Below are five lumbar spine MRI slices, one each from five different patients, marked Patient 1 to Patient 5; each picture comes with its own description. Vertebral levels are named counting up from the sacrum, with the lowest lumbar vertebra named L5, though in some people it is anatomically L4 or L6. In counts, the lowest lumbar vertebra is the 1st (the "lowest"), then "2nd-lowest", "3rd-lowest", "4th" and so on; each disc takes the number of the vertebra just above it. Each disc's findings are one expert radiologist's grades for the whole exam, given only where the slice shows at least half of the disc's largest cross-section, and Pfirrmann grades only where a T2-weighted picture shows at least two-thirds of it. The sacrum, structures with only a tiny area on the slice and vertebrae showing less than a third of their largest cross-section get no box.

Patient 1 of 5:
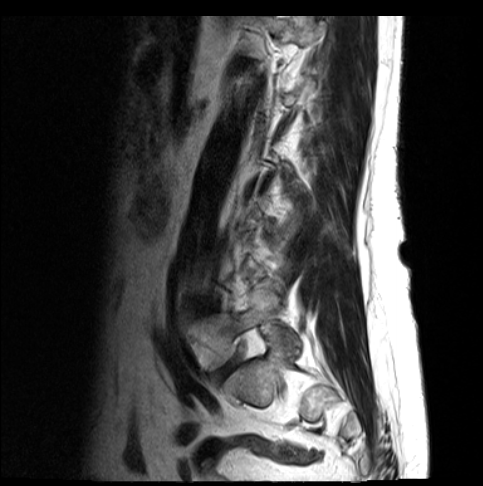

Sagittal slice index 1 | Sagittal T2-weighted lumbar spine MRI

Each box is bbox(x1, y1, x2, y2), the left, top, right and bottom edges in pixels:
Structures:
- L5 (lowest vertebra) — bbox(187, 293, 277, 370)
- disc L5/S1 (lowest disc) — bbox(220, 360, 235, 376)

Patient 2 of 5:
Slice 77/120 | Lumbar spine MR, T2 SPACE (3D), sagittal | Sex M | Image 512x640
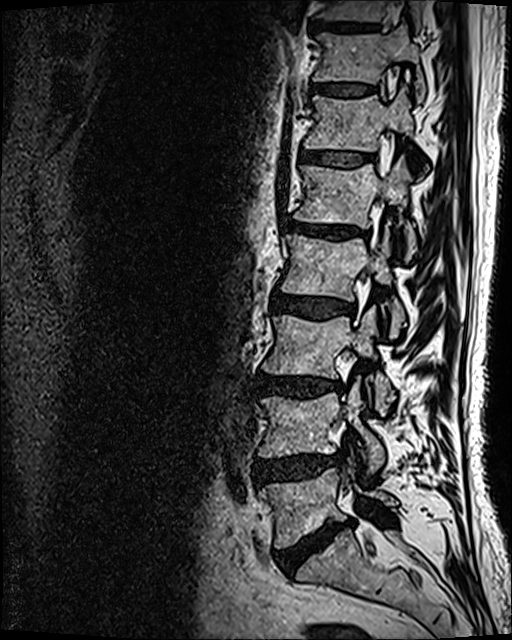

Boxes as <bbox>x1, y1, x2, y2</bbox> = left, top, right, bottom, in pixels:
Structures:
* L5/S1 — <bbox>275, 521, 351, 575</bbox>
* T11 — <bbox>313, 24, 425, 103</bbox>
* L5 — <bbox>259, 469, 396, 547</bbox>
* T12/L1 — <bbox>301, 151, 372, 166</bbox>
* L4/L5 — <bbox>255, 455, 337, 485</bbox>
* disc L3/L4 — <bbox>255, 374, 339, 398</bbox>
* T12 — <bbox>304, 88, 413, 152</bbox>
* L1/L2 — <bbox>287, 220, 358, 238</bbox>
* L2/L3 — <bbox>271, 292, 350, 319</bbox>
* thecal sac / spinal canal — <bbox>344, 420, 374, 534</bbox>
* disc T10/T11 — <bbox>310, 20, 378, 30</bbox>
* T11/T12 — <bbox>312, 84, 373, 95</bbox>
* L3 — <bbox>261, 306, 394, 414</bbox>
* L4 vertebra — <bbox>258, 383, 384, 471</bbox>
* T10 — <bbox>321, 0, 420, 30</bbox>
* L1 vertebra — <bbox>293, 157, 415, 260</bbox>
* L2 — <bbox>281, 229, 404, 337</bbox>

Radiological gradings:
- T12/L1: Pfirrmann grade 3
- L3/L4: Pfirrmann grade 4, lower-endplate change, Modic type II, disc bulging, disc narrowing
- T11/T12: Pfirrmann grade 3
- L4/L5: Pfirrmann grade 4, disc herniation, disc bulging
- L1/L2: upper-endplate change, Modic type II, disc narrowing, lower-endplate change, disc bulging
- L2/L3: Pfirrmann grade 3, disc bulging
- L5/S1: Pfirrmann grade 5, Modic type II, disc narrowing, disc bulging, lower-endplate change

Patient 3 of 5:
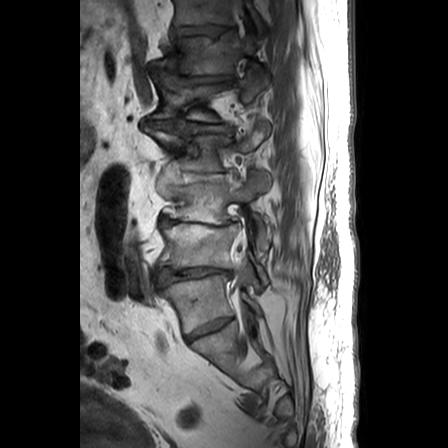 Sagittal slice index 9; Sagittal T1-weighted lumbar spine MRI

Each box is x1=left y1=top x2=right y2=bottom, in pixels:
Annotations:
* L1 at x1=154 y1=77 x2=268 y2=121
* intervertebral disc L2/L3 at x1=183 y1=173 x2=226 y2=182
* spinal canal at x1=231 y1=0 x2=246 y2=290
* L5 vertebra at x1=159 y1=275 x2=260 y2=332
* intervertebral disc L3/L4 at x1=159 y1=216 x2=237 y2=226
* T12 vertebra at x1=158 y1=33 x2=263 y2=75
* L4 at x1=158 y1=223 x2=267 y2=282
* L3 at x1=165 y1=172 x2=271 y2=250
* L1/L2 at x1=153 y1=120 x2=231 y2=131
* L2 at x1=151 y1=123 x2=269 y2=171
* L4/L5 at x1=156 y1=268 x2=229 y2=286
* T11/T12 at x1=171 y1=25 x2=229 y2=36
* intervertebral disc T12/L1 at x1=157 y1=71 x2=230 y2=85
* L5/S1 at x1=187 y1=317 x2=230 y2=341
* T11 at x1=174 y1=0 x2=264 y2=32

Expert MSK radiologist gradings (per disc):
  L2/L3: disc narrowing, disc bulging
  L5/S1: disc narrowing
  T12/L1: disc bulging, disc herniation, disc narrowing
  L3/L4: disc herniation, Modic type II, disc bulging, disc narrowing
  L4/L5: disc bulging, Modic type II, disc narrowing, disc herniation
  T11/T12: disc narrowing, upper-endplate change, disc bulging
  L1/L2: disc narrowing, disc bulging

Patient 4 of 5:
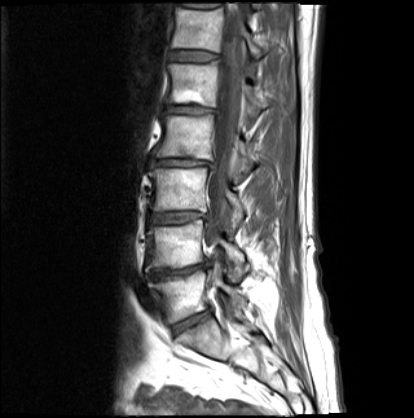 Sagittal T1-weighted lumbar spine MRI, 414x418 px

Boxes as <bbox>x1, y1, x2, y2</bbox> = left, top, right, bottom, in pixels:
2nd-lowest disc — <bbox>148, 262, 209, 278</bbox> | 6th vertebra — <bbox>172, 8, 263, 57</bbox> | 4th vertebra — <bbox>153, 115, 255, 169</bbox> | 5th vertebra — <bbox>167, 61, 267, 118</bbox> | 3rd-lowest disc — <bbox>149, 212, 207, 223</bbox> | 4th disc — <bbox>149, 158, 215, 167</bbox> | 2nd-lowest vertebra — <bbox>145, 220, 245, 278</bbox> | lowest vertebra — <bbox>149, 270, 246, 322</bbox> | 3rd-lowest vertebra — <bbox>149, 168, 244, 227</bbox> | lowest disc — <bbox>173, 311, 209, 333</bbox> | 5th disc — <bbox>164, 105, 220, 114</bbox> | 6th disc — <bbox>171, 51, 218, 61</bbox> | spinal canal — <bbox>204, 2, 242, 261</bbox>

Per-level radiological findings:
- 4th disc: lower-endplate change, upper-endplate change, disc narrowing, Modic type II, disc bulging
- 3rd-lowest disc: Modic type II, disc bulging, disc narrowing
- 5th disc: upper-endplate change, Modic type II, disc bulging, lower-endplate change, disc narrowing
- lowest disc: disc narrowing, disc bulging, Modic type II
- 2nd-lowest disc: upper-endplate change, lower-endplate change, disc narrowing, disc bulging, Modic type II
- 6th disc: no herniation, bulging, narrowing, spondylolisthesis, endplate or Modic change recorded

Patient 5 of 5:
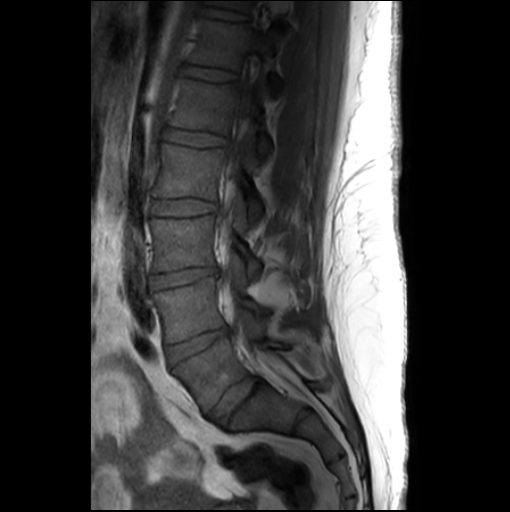 Slice 11 of 26; Lumbar spine MR, T1-weighted, sagittal
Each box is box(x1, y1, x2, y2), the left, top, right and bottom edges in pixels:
Annotations:
- L1/L2 at box(163, 128, 225, 146)
- L4 vertebra at box(151, 277, 286, 342)
- L1 at box(168, 77, 270, 157)
- L2/L3 at box(151, 199, 215, 216)
- IVD T12/L1 at box(180, 65, 234, 81)
- IVD L3/L4 at box(150, 267, 216, 289)
- T11/T12 at box(202, 7, 246, 20)
- T11 vertebra at box(210, 0, 249, 11)
- L5/S1 at box(208, 377, 263, 424)
- L4/L5 at box(167, 327, 229, 363)
- spinal canal at box(222, 89, 274, 372)
- T12 vertebra at box(189, 18, 281, 93)
- L2 at box(152, 144, 262, 224)
- L5 vertebra at box(173, 337, 286, 411)
- L3 at box(150, 215, 259, 279)

Degenerative findings by level:
• L4/L5: disc narrowing, disc bulging
• L3/L4: disc narrowing, disc bulging
• L5/S1: disc bulging
• T11/T12, L1/L2, L2/L3, T12/L1: no spondylolisthesis, narrowing, bulging, herniation, Modic or endplate change recorded